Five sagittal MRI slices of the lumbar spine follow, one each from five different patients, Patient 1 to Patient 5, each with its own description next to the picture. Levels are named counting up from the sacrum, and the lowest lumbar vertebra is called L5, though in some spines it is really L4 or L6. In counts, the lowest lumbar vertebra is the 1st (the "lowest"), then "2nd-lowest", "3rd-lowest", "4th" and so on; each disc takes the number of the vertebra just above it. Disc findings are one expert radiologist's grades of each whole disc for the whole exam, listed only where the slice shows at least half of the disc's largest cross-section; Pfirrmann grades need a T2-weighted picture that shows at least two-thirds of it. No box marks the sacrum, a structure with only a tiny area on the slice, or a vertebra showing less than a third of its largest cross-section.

Patient 1 of 5:
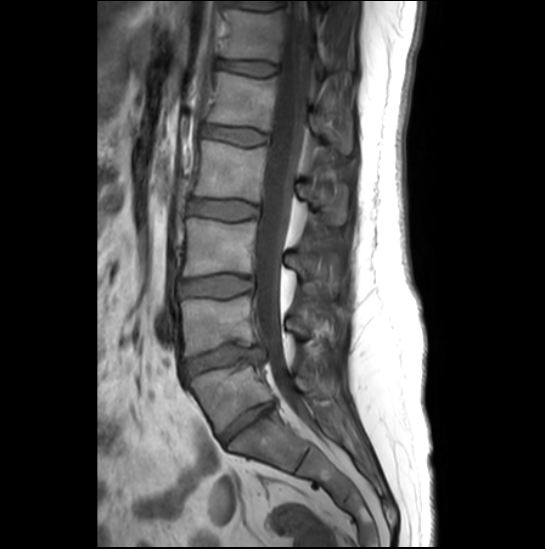

Lumbar spine MR, T1-weighted, sagittal; Slice 13/27
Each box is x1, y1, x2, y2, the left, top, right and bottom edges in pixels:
disc L1/L2 — 203, 125, 267, 145 | L1 — 207, 72, 353, 154 | disc L5/S1 — 220, 402, 273, 443 | disc L2/L3 — 187, 199, 257, 220 | disc L4/L5 — 184, 343, 263, 375 | thecal sac / spinal canal — 254, 0, 312, 422 | L2 vertebra — 193, 141, 347, 225 | T12 vertebra — 224, 9, 329, 80 | disc T12/L1 — 217, 59, 276, 76 | L5 — 191, 361, 334, 434 | L3/L4 — 180, 275, 251, 297 | L3 — 182, 218, 337, 292 | L4 — 180, 295, 327, 355

Degenerative findings by level:
- L4/L5: disc herniation, lower-endplate change, Modic type II, disc narrowing, upper-endplate change
- L5/S1: disc narrowing
- L3/L4, T12/L1, L2/L3, L1/L2: no spondylolisthesis, narrowing, bulging, herniation, Modic or endplate change recorded

Patient 2 of 5:
Sagittal T1-weighted lumbar spine MRI; Slice 10/31; Philips Healthcare Ingenia (3T); Image 732x725; Patient sex: F
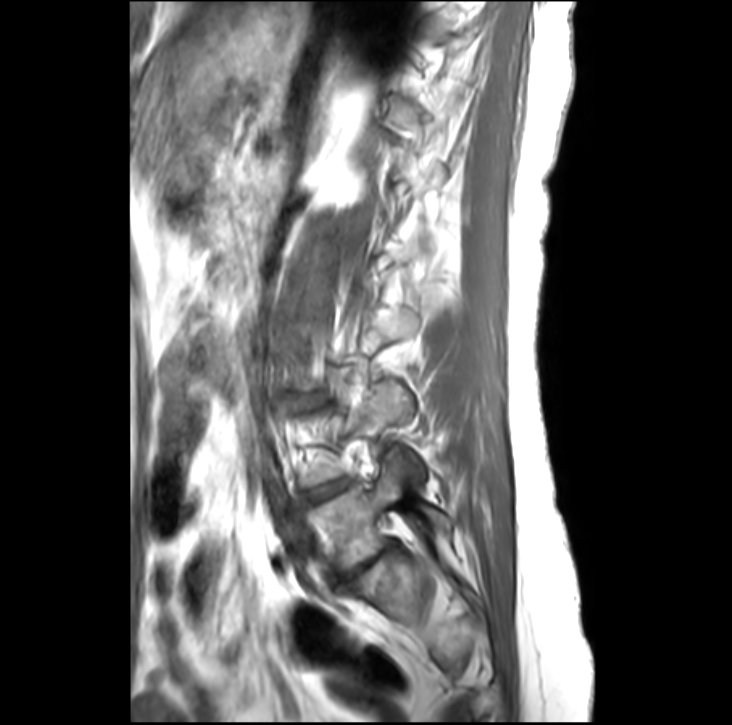

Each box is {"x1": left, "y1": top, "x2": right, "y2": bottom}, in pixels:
Annotations:
- L5 vertebra: {"x1": 312, "y1": 447, "x2": 452, "y2": 574}
- intervertebral disc L5/S1: {"x1": 330, "y1": 539, "x2": 397, "y2": 590}
- intervertebral disc L4/L5: {"x1": 307, "y1": 480, "x2": 351, "y2": 500}

Degenerative findings by level:
  L5/S1: Modic type II, disc bulging, upper-endplate change, disc narrowing, lower-endplate change

Patient 3 of 5:
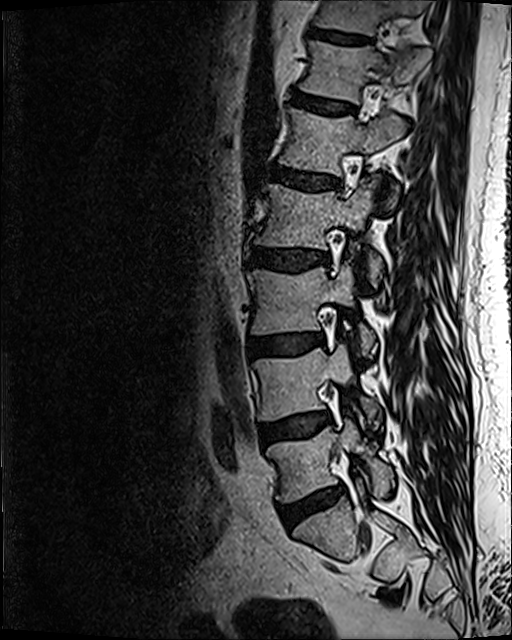 Patient sex: M, Sagittal T2 SPACE (3D) lumbar spine MRI
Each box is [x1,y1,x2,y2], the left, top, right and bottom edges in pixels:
L4 vertebra at [254,344,378,421], intervertebral disc L5/S1 at [279,487,344,528], L5 vertebra at [267,419,393,501], L3/L4 at [249,333,322,356], L1 vertebra at [279,108,406,205], T11 vertebra at [313,0,425,34], intervertebral disc L4/L5 at [259,412,326,446], L3 vertebra at [249,261,375,355], intervertebral disc L2/L3 at [252,247,328,272], intervertebral disc L1/L2 at [272,165,339,190], T12 at [300,41,429,104], T12/L1 at [293,94,354,113], intervertebral disc T11/T12 at [308,28,369,44], L2 vertebra at [255,178,382,286].

Per-level radiological findings:
• T12/L1: Pfirrmann grade 2
• L3/L4: Pfirrmann grade 2, Modic type II, disc bulging
• L2/L3: Pfirrmann grade 3, disc bulging
• L4/L5: Pfirrmann grade 2, disc bulging, Modic type II
• L5/S1: Modic type II, disc bulging, disc narrowing
• T11/T12: Pfirrmann grade 3
• L1/L2: Pfirrmann grade 3, disc bulging

Patient 4 of 5:
Slice spacing 3.3 mm, Scanner: Philips Healthcare Ingenia (3T), MRI lumbar spine (T1-weighted), sagittal plane 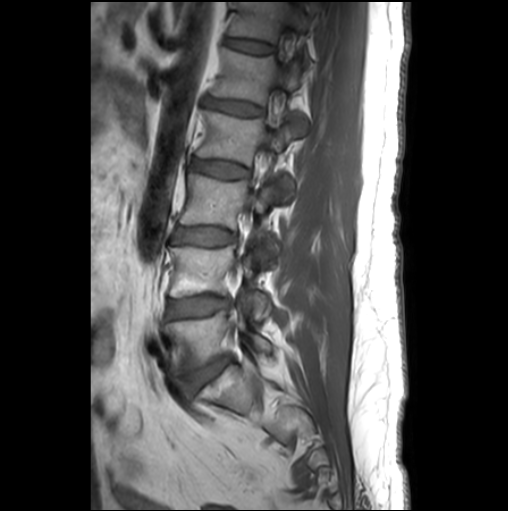
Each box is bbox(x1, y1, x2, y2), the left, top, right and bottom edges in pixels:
{"lowest disc": "bbox(185, 356, 230, 392)", "4th vertebra": "bbox(197, 110, 295, 201)", "3rd-lowest vertebra": "bbox(180, 173, 276, 248)", "5th disc": "bbox(209, 99, 263, 115)", "5th vertebra": "bbox(212, 48, 305, 127)", "6th disc": "bbox(226, 37, 274, 52)", "6th vertebra": "bbox(229, 2, 309, 59)", "4th disc": "bbox(189, 158, 249, 177)", "3rd-lowest disc": "bbox(172, 227, 235, 245)", "lowest vertebra": "bbox(167, 308, 272, 373)", "2nd-lowest disc": "bbox(168, 295, 228, 317)", "2nd-lowest vertebra": "bbox(170, 245, 271, 319)"}

Degenerative findings by level:
  lowest disc: disc bulging, Modic type II
  2nd-lowest disc: Modic type II
  4th disc, 6th disc, 3rd-lowest disc, 5th disc: no spondylolisthesis, narrowing, bulging, herniation, Modic or endplate change recorded

Patient 5 of 5:
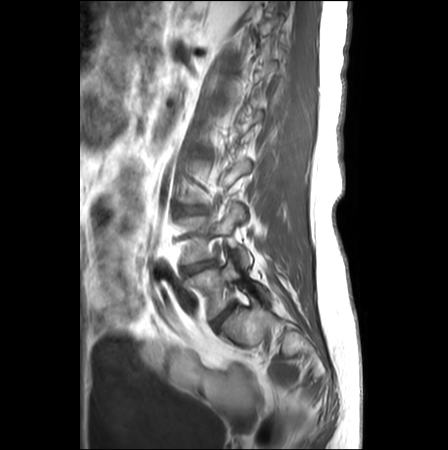

Sagittal T1-weighted lumbar spine MRI; Slice 20 of 26
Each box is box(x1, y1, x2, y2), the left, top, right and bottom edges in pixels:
{"L4 (2nd-lowest vertebra)": "box(176, 203, 252, 266)", "L5 (lowest vertebra)": "box(186, 261, 271, 318)", "disc L4/L5 (2nd-lowest disc)": "box(182, 261, 215, 276)", "L5/S1 (lowest disc)": "box(212, 304, 234, 327)"}

Degenerative findings by level:
• L4/L5 (2nd-lowest disc): disc narrowing, disc herniation, upper-endplate change, Modic type II, lower-endplate change